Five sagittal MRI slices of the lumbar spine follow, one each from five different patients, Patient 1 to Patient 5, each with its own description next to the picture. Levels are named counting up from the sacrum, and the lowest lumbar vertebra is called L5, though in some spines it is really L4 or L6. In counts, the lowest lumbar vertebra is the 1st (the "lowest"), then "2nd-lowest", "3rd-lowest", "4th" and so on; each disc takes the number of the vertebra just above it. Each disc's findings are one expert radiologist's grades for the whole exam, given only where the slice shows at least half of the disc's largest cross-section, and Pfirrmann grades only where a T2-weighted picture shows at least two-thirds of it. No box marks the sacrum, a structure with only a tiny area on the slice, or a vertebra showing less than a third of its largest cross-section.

Patient 1 of 5:
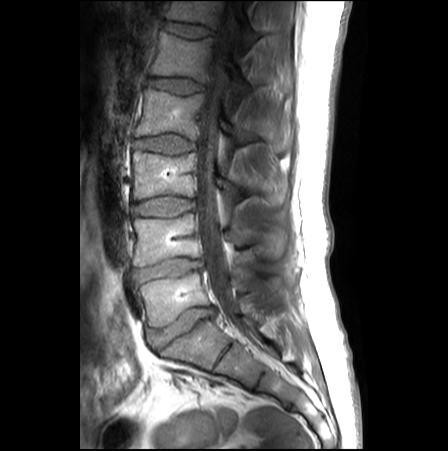 Sex M, Slice 15 of 27, T1-weighted sagittal MRI of the lumbar spine
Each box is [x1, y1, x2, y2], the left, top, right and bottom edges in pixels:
- 4th vertebra: [135, 89, 288, 151]
- 3rd-lowest vertebra: [132, 152, 284, 206]
- spinal canal: [195, 1, 237, 323]
- 5th vertebra: [151, 32, 290, 99]
- lowest disc: [148, 306, 214, 348]
- 4th disc: [135, 132, 194, 154]
- 5th disc: [150, 78, 202, 93]
- 2nd-lowest disc: [134, 259, 202, 282]
- 6th disc: [167, 22, 211, 38]
- 6th vertebra: [166, 1, 260, 51]
- 3rd-lowest disc: [132, 196, 193, 217]
- lowest vertebra: [138, 272, 279, 326]
- 2nd-lowest vertebra: [133, 213, 284, 266]

Per-level radiological findings:
- 2nd-lowest disc: disc bulging, disc narrowing
- 6th disc: lower-endplate change
- lowest disc: disc bulging, disc narrowing
- 5th disc, 3rd-lowest disc, 4th disc: no Modic or endplate change, herniation, narrowing, bulging or spondylolisthesis recorded

Patient 2 of 5:
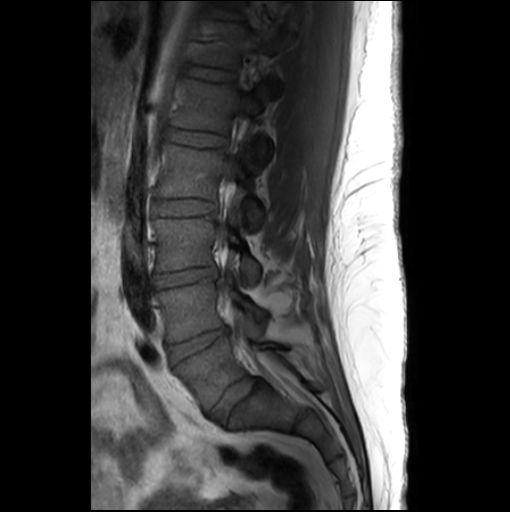

Lumbar spine MR, T1-weighted, sagittal, Image 510x512, Field of view 280x281 mm, slice spacing 3.3 mm
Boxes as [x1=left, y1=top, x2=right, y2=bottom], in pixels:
2nd-lowest disc at [x1=169, y1=327, x2=228, y2=362], lowest vertebra at [x1=174, y1=337, x2=286, y2=410], 6th vertebra at [x1=193, y1=24, x2=247, y2=68], 4th vertebra at [x1=156, y1=144, x2=263, y2=227], 5th disc at [x1=166, y1=130, x2=225, y2=146], 2nd-lowest vertebra at [x1=156, y1=277, x2=265, y2=341], lowest disc at [x1=210, y1=377, x2=262, y2=418], 3rd-lowest disc at [x1=152, y1=267, x2=216, y2=288], 6th disc at [x1=182, y1=66, x2=234, y2=81], 3rd-lowest vertebra at [x1=154, y1=216, x2=259, y2=283], 5th vertebra at [x1=171, y1=80, x2=271, y2=163], 4th disc at [x1=154, y1=199, x2=215, y2=215].

Per-level radiological findings:
• 3rd-lowest disc: disc bulging, disc narrowing
• lowest disc: disc bulging
• 2nd-lowest disc: disc narrowing, disc bulging
• 5th disc, 4th disc, 6th disc: no herniation, bulging, narrowing, spondylolisthesis, endplate or Modic change recorded

Patient 3 of 5:
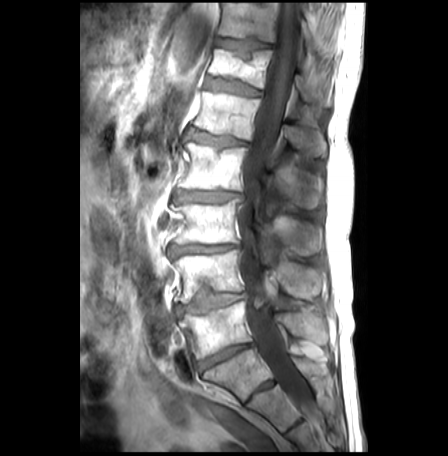
Sex M | Sagittal T1-weighted lumbar spine MRI

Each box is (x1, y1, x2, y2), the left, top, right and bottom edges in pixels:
Annotations:
• 5th disc at (189, 131, 248, 147)
• 7th disc at (214, 39, 271, 60)
• lowest vertebra at (180, 301, 327, 360)
• 2nd-lowest disc at (175, 290, 247, 314)
• 3rd-lowest disc at (169, 244, 238, 258)
• 4th vertebra at (178, 143, 322, 217)
• spinal canal at (236, 3, 311, 413)
• 7th vertebra at (217, 3, 319, 51)
• 4th disc at (173, 191, 241, 203)
• lowest disc at (198, 343, 253, 372)
• 5th vertebra at (193, 91, 325, 157)
• 3rd-lowest vertebra at (172, 199, 322, 263)
• 6th disc at (205, 79, 260, 96)
• 2nd-lowest vertebra at (173, 251, 324, 304)
• 6th vertebra at (208, 49, 330, 107)

Expert MSK radiologist gradings (per disc):
• 4th disc: upper-endplate change, lower-endplate change, disc bulging, Modic type II, disc narrowing
• 2nd-lowest disc: lower-endplate change, Modic type II, upper-endplate change, disc bulging
• lowest disc: disc bulging, disc narrowing, Modic type II
• 7th disc: Modic type II, lower-endplate change, upper-endplate change
• 5th disc: upper-endplate change, Modic type II, disc bulging, lower-endplate change
• 3rd-lowest disc: disc narrowing, Modic type II, disc bulging, lower-endplate change, upper-endplate change
• 6th disc: lower-endplate change, Modic type II, disc bulging, upper-endplate change

Patient 4 of 5:
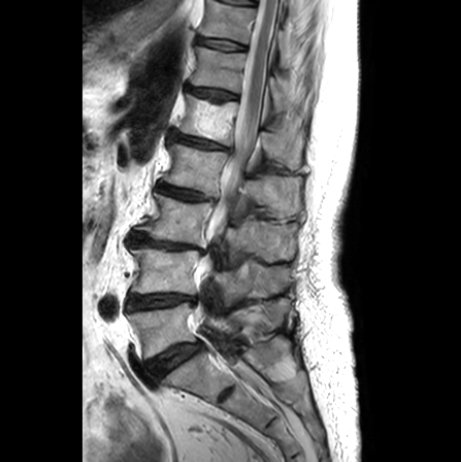 Sex F. Lumbar spine MR, T2-weighted, sagittal. Image 461x462. Field of view 280x280 mm.
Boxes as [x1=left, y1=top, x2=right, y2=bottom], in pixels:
Segmented structures:
* disc L4/L5: [x1=127, y1=293, x2=194, y2=309]
* L4 vertebra: [x1=130, y1=246, x2=290, y2=305]
* disc L2/L3: [x1=158, y1=183, x2=215, y2=200]
* T12/L1: [x1=187, y1=85, x2=236, y2=100]
* disc L5/S1: [x1=148, y1=342, x2=202, y2=377]
* T11: [x1=199, y1=0, x2=297, y2=67]
* T12 vertebra: [x1=190, y1=45, x2=307, y2=115]
* thecal sac / spinal canal: [x1=196, y1=0, x2=280, y2=385]
* L3 vertebra: [x1=133, y1=191, x2=296, y2=261]
* disc L3/L4: [x1=127, y1=230, x2=203, y2=253]
* L1: [x1=175, y1=93, x2=303, y2=169]
* L5: [x1=127, y1=298, x2=290, y2=358]
* L2 vertebra: [x1=162, y1=143, x2=300, y2=216]
* disc T11/T12: [x1=197, y1=36, x2=246, y2=50]
* disc L1/L2: [x1=169, y1=131, x2=230, y2=150]

Per-level radiological findings:
- T12/L1: Pfirrmann grade 2, upper-endplate change
- L3/L4: Pfirrmann grade 5, lower-endplate change, disc narrowing, upper-endplate change, Modic type II
- L1/L2: Pfirrmann grade 3, lower-endplate change, upper-endplate change, disc narrowing, disc bulging
- L4/L5: Pfirrmann grade 2, Modic type II, disc narrowing
- T11/T12: Pfirrmann grade 1
- L5/S1: Pfirrmann grade 3, Modic type II
- L2/L3: Pfirrmann grade 3, lower-endplate change, upper-endplate change, disc narrowing

Patient 5 of 5:
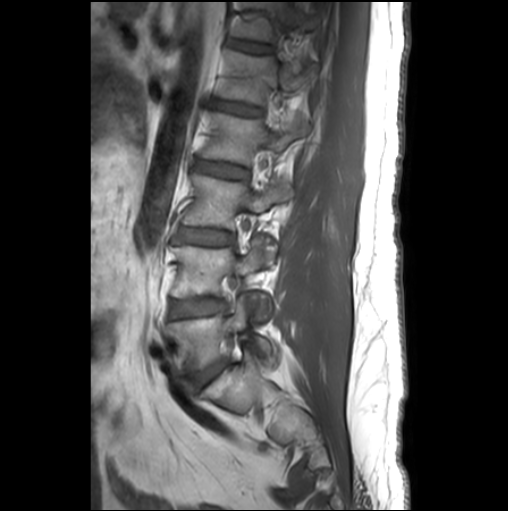

Field of view 280x281 mm, slice spacing 3.3 mm; Image 508x511; Sagittal slice index 18; Lumbar spine MR, T1-weighted, sagittal
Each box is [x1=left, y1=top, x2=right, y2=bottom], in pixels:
Annotations:
• intervertebral disc T12/L1 (6th disc) at [x1=231, y1=40, x2=271, y2=52]
• intervertebral disc L5/S1 (lowest disc) at [x1=189, y1=361, x2=225, y2=388]
• L4 (2nd-lowest vertebra) at [x1=171, y1=237, x2=276, y2=315]
• L2 (4th vertebra) at [x1=202, y1=112, x2=309, y2=164]
• intervertebral disc L3/L4 (3rd-lowest disc) at [x1=179, y1=228, x2=234, y2=245]
• T12 (6th vertebra) at [x1=233, y1=2, x2=313, y2=41]
• L1/L2 (5th disc) at [x1=216, y1=100, x2=261, y2=115]
• intervertebral disc L2/L3 (4th disc) at [x1=195, y1=160, x2=247, y2=178]
• L1 (5th vertebra) at [x1=218, y1=50, x2=306, y2=104]
• L3 (3rd-lowest vertebra) at [x1=184, y1=174, x2=293, y2=228]
• L4/L5 (2nd-lowest disc) at [x1=170, y1=298, x2=226, y2=317]
• L5 (lowest vertebra) at [x1=171, y1=297, x2=276, y2=372]

Expert MSK radiologist gradings (per disc):
• L4/L5 (2nd-lowest disc): Modic type II
• T12/L1 (6th disc), L2/L3 (4th disc), L1/L2 (5th disc), L3/L4 (3rd-lowest disc): no Modic or endplate change, herniation, narrowing, bulging or spondylolisthesis recorded